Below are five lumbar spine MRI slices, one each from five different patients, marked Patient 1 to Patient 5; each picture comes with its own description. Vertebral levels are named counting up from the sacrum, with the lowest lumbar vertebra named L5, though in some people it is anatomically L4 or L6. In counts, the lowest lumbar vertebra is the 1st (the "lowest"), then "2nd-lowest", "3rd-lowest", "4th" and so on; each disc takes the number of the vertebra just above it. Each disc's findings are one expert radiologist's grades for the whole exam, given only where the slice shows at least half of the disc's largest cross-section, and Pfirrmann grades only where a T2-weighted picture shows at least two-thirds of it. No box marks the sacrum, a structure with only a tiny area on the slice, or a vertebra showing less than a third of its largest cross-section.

Patient 1 of 5:
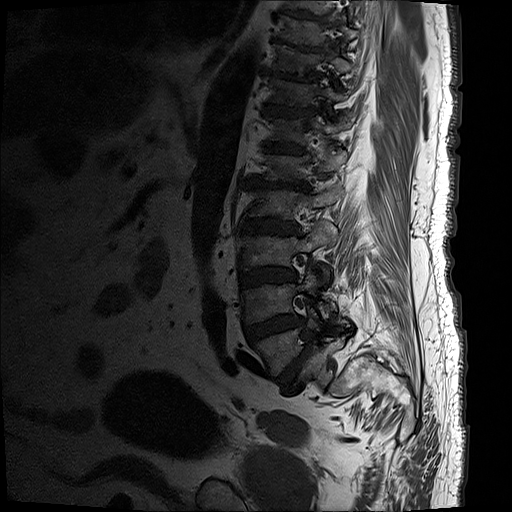 Lumbar spine MR, T1-weighted, sagittal; Field of view 300x300 mm
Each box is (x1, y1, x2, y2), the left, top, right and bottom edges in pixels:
Lowest vertebra = (253, 302, 343, 376).
4th disc = (241, 218, 298, 234).
5th vertebra = (260, 146, 345, 183).
Lowest disc = (276, 342, 311, 389).
2nd-lowest disc = (243, 314, 303, 343).
4th vertebra = (247, 180, 342, 221).
7th disc = (261, 102, 310, 116).
6th disc = (259, 141, 304, 154).
3rd-lowest disc = (239, 266, 295, 289).
8th vertebra = (271, 44, 350, 80).
5th disc = (243, 174, 310, 189).
8th disc = (261, 66, 316, 81).
9th disc = (269, 35, 324, 52).
2nd-lowest vertebra = (240, 268, 336, 324).
6th vertebra = (265, 113, 350, 145).
3rd-lowest vertebra = (238, 219, 335, 284).
7th vertebra = (264, 74, 347, 105).

Per-level radiological findings:
• 6th disc: Modic type II, upper-endplate change, lower-endplate change, disc bulging, disc narrowing
• 4th disc: disc narrowing, disc bulging, lower-endplate change, upper-endplate change, Modic type II
• lowest disc: spondylolisthesis, upper-endplate change, Modic type II, lower-endplate change, disc narrowing, disc bulging
• 8th disc: disc bulging, lower-endplate change, Modic type II, upper-endplate change, disc narrowing
• 2nd-lowest disc: disc bulging, disc narrowing, lower-endplate change, Modic type II, upper-endplate change
• 7th disc: lower-endplate change, disc bulging, upper-endplate change, disc narrowing, Modic type II
• 5th disc: upper-endplate change, disc narrowing, Modic type II, lower-endplate change, disc bulging
• 3rd-lowest disc: lower-endplate change, disc bulging, upper-endplate change, Modic type II, disc narrowing

Patient 2 of 5:
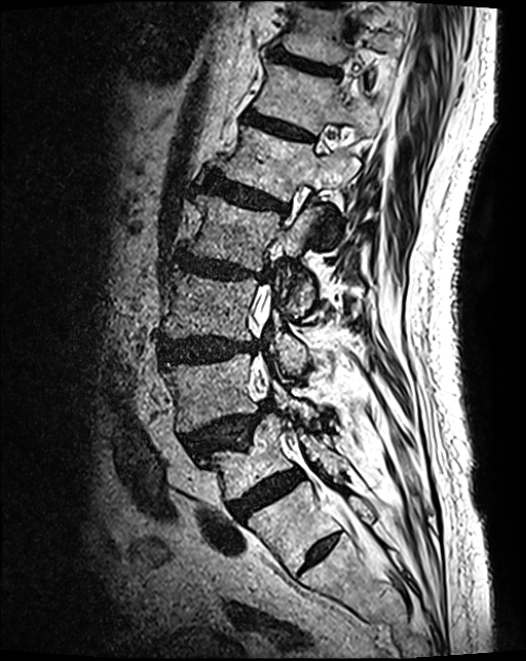
MRI lumbar spine (T2 SPACE (3D)), sagittal plane
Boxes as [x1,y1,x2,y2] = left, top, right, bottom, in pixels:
3rd-lowest disc = [160,338,258,363] | 6th disc = [245,113,311,141] | 2nd-lowest disc = [184,402,273,458] | 4th disc = [172,253,270,282] | 4th vertebra = [184,195,326,314] | 5th vertebra = [222,128,359,243] | lowest disc = [229,470,302,519] | 7th vertebra = [282,8,394,65] | 2nd-lowest vertebra = [165,355,314,432] | 5th disc = [206,176,286,213] | spinal canal = [255,291,368,540] | 6th vertebra = [256,64,379,134] | 3rd-lowest vertebra = [162,272,305,372] | lowest vertebra = [201,415,343,501] | 7th disc = [272,52,337,75]

Degenerative findings by level:
  6th disc: Pfirrmann grade 3
  4th disc: Pfirrmann grade 4, upper-endplate change, disc bulging, lower-endplate change, disc narrowing
  3rd-lowest disc: Pfirrmann grade 4, disc bulging
  5th disc: Pfirrmann grade 4, upper-endplate change, lower-endplate change, disc bulging
  lowest disc: Pfirrmann grade 4
  7th disc: Pfirrmann grade 3, lower-endplate change
  2nd-lowest disc: Pfirrmann grade 4, spondylolisthesis, disc herniation, upper-endplate change

Patient 3 of 5:
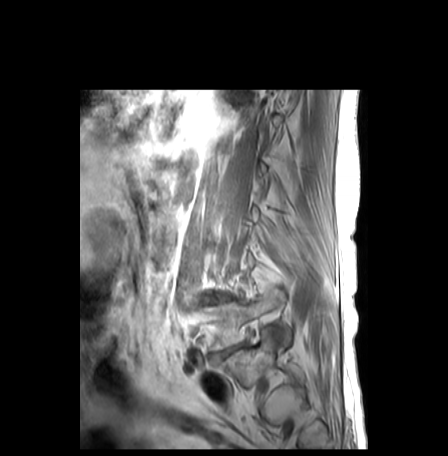 T1-weighted sagittal MRI of the lumbar spine; Slice 26/30

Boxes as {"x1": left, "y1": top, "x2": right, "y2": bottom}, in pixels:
L5 vertebra at {"x1": 206, "y1": 289, "x2": 290, "y2": 350}, L5/S1 at {"x1": 213, "y1": 343, "x2": 244, "y2": 363}, L4/L5 at {"x1": 208, "y1": 297, "x2": 229, "y2": 303}.

Patient 4 of 5:
Lumbar spine MR, T2-weighted, sagittal | Image 384x384 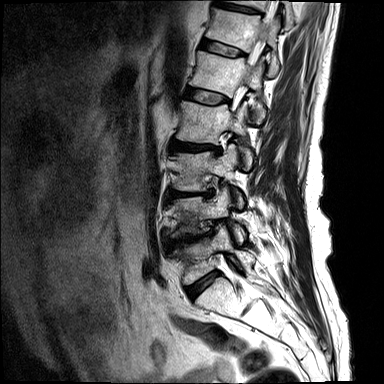 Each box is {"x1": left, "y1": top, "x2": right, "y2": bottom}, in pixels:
4th disc: {"x1": 172, "y1": 140, "x2": 219, "y2": 150} | 4th vertebra: {"x1": 176, "y1": 101, "x2": 253, "y2": 171} | 6th disc: {"x1": 201, "y1": 39, "x2": 244, "y2": 57} | 5th disc: {"x1": 185, "y1": 86, "x2": 228, "y2": 104} | 2nd-lowest disc: {"x1": 185, "y1": 234, "x2": 200, "y2": 242} | 2nd-lowest vertebra: {"x1": 177, "y1": 188, "x2": 245, "y2": 245} | lowest disc: {"x1": 187, "y1": 272, "x2": 219, "y2": 298} | 7th vertebra: {"x1": 230, "y1": 0, "x2": 293, "y2": 29} | 7th disc: {"x1": 215, "y1": 1, "x2": 257, "y2": 13} | 3rd-lowest disc: {"x1": 172, "y1": 191, "x2": 203, "y2": 196} | 6th vertebra: {"x1": 206, "y1": 7, "x2": 279, "y2": 76} | 5th vertebra: {"x1": 190, "y1": 51, "x2": 265, "y2": 123} | 3rd-lowest vertebra: {"x1": 175, "y1": 144, "x2": 244, "y2": 209} | lowest vertebra: {"x1": 179, "y1": 224, "x2": 255, "y2": 284}

Per-level radiological findings:
  4th disc: Pfirrmann grade 4, Modic type II, disc narrowing, lower-endplate change, upper-endplate change, disc bulging
  5th disc: Pfirrmann grade 3
  7th disc: Pfirrmann grade 3, lower-endplate change, upper-endplate change
  6th disc: Pfirrmann grade 3

Patient 5 of 5:
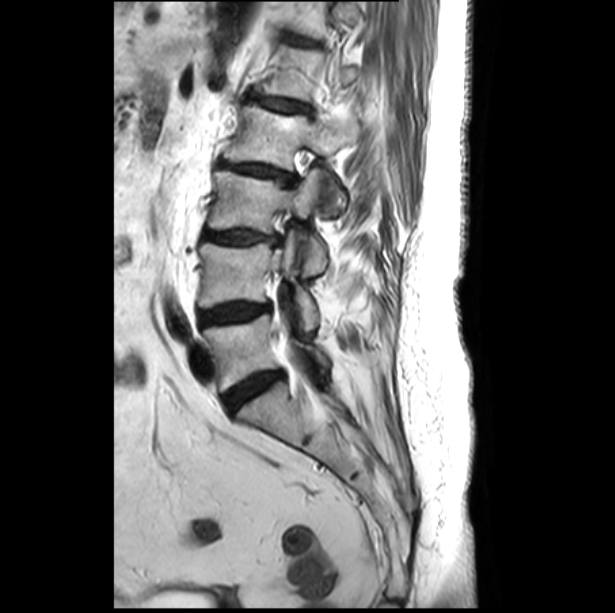

Sagittal slice index 20. Sagittal T2-weighted lumbar spine MRI.
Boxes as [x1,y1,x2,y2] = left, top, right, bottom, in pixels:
Segmented structures:
• L4: [198,231,318,330]
• L4/L5: [199,302,269,325]
• L5: [203,314,331,392]
• L5/S1: [224,371,282,412]
• L2 vertebra: [224,104,359,208]
• L1: [256,45,361,101]
• disc L2/L3: [218,160,296,184]
• L1/L2: [250,95,310,113]
• L3: [208,169,326,275]
• L3/L4: [204,231,279,245]

Degenerative findings by level:
- L5/S1: Pfirrmann grade 4, disc bulging
- L3/L4: Pfirrmann grade 3, upper-endplate change, Modic type II, disc bulging, disc narrowing, lower-endplate change
- L1/L2: Pfirrmann grade 3, lower-endplate change, upper-endplate change, disc bulging, Modic type II
- L4/L5: Pfirrmann grade 4, disc bulging
- L2/L3: Pfirrmann grade 3, Modic type II, disc bulging, lower-endplate change, disc narrowing, upper-endplate change